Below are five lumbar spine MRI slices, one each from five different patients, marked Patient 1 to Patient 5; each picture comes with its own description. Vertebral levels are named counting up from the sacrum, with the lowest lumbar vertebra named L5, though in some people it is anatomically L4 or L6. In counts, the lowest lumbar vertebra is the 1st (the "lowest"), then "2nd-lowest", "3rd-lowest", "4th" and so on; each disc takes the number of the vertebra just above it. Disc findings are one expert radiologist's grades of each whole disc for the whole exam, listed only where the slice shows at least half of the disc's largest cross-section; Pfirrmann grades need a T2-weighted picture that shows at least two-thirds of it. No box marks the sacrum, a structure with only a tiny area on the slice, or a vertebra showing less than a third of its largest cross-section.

Patient 1 of 5:
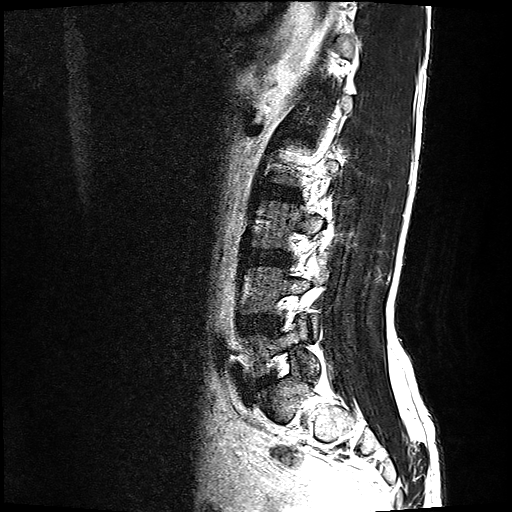 Sagittal T2-weighted lumbar spine MRI | 512x512 px

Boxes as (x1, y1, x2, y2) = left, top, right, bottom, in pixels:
L5 (lowest vertebra) at (246, 314, 319, 375), L3/L4 (3rd-lowest disc) at (256, 250, 288, 259), disc L5/S1 (lowest disc) at (254, 372, 274, 384), L2/L3 (4th disc) at (274, 188, 292, 195), L3 (3rd-lowest vertebra) at (251, 197, 342, 245), L4 (2nd-lowest vertebra) at (247, 260, 329, 337), L4/L5 (2nd-lowest disc) at (257, 316, 273, 325).

Patient 2 of 5:
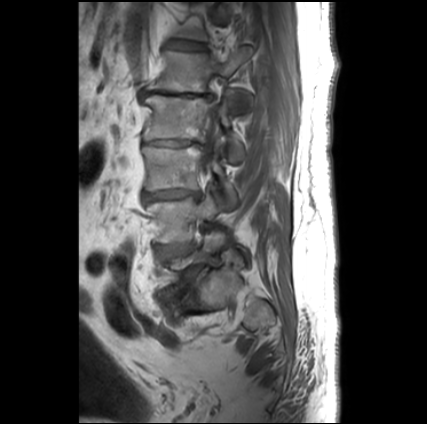 Image 427x424, MRI lumbar spine (T1-weighted), sagittal plane, Field of view 284x281 mm, slice spacing 3.3 mm

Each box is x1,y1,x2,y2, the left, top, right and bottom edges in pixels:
L3/L4 (3rd-lowest disc) — 143,190,199,202.
L2/L3 (4th disc) — 148,140,197,146.
L3 (3rd-lowest vertebra) — 142,145,236,206.
L2 (4th vertebra) — 141,93,243,159.
IVD L5/S1 (lowest disc) — 184,265,204,285.
T12/L1 (6th disc) — 168,41,203,48.
Thecal sac / spinal canal — 203,103,219,171.
L1/L2 (5th disc) — 143,91,213,100.
L1 (5th vertebra) — 145,48,251,107.
L4/L5 (2nd-lowest disc) — 156,244,195,259.
L4 (2nd-lowest vertebra) — 145,193,219,243.

Radiological gradings:
  L4/L5 (2nd-lowest disc): Modic type II
  L1/L2 (5th disc): disc herniation, lower-endplate change, disc narrowing, Modic type II, upper-endplate change, disc bulging
  L3/L4 (3rd-lowest disc): lower-endplate change, Modic type II, disc narrowing, upper-endplate change, disc bulging
  L2/L3 (4th disc): upper-endplate change, disc bulging, lower-endplate change, Modic type II, disc narrowing
  T12/L1 (6th disc): no Modic or endplate change, herniation, narrowing, bulging or spondylolisthesis recorded

Patient 3 of 5:
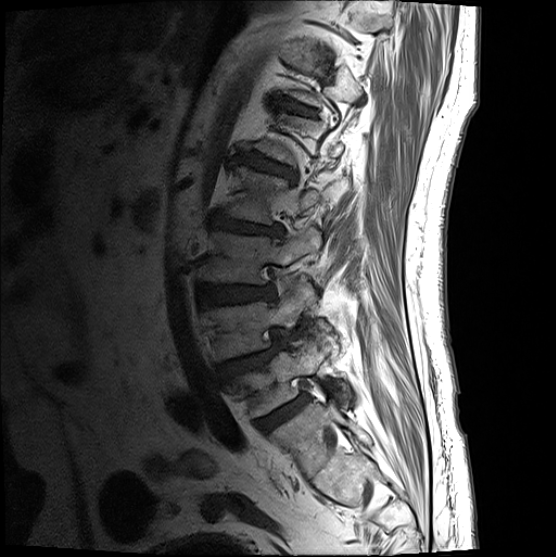 Field of view 300x301 mm, slice spacing 3.3 mm; Sagittal T1-weighted lumbar spine MRI
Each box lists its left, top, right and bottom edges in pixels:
disc L1/L2: left=240, top=154, right=295, bottom=180 | L3: left=200, top=229, right=321, bottom=286 | L4: left=202, top=287, right=308, bottom=363 | disc L4/L5: left=218, top=342, right=284, bottom=382 | L3/L4: left=199, top=286, right=274, bottom=307 | L2/L3: left=211, top=216, right=282, bottom=238 | L2 vertebra: left=227, top=168, right=320, bottom=226 | L5: left=233, top=341, right=347, bottom=418 | disc L5/S1: left=255, top=396, right=309, bottom=433 | disc T12/L1: left=284, top=104, right=314, bottom=117

Per-level radiological findings:
• L1/L2: upper-endplate change, lower-endplate change, disc bulging
• L4/L5: upper-endplate change, disc herniation, spondylolisthesis
• L3/L4: disc bulging
• L2/L3: upper-endplate change, lower-endplate change, disc narrowing, disc bulging
• L5/S1: no Modic or endplate change, herniation, narrowing, bulging or spondylolisthesis recorded

Patient 4 of 5:
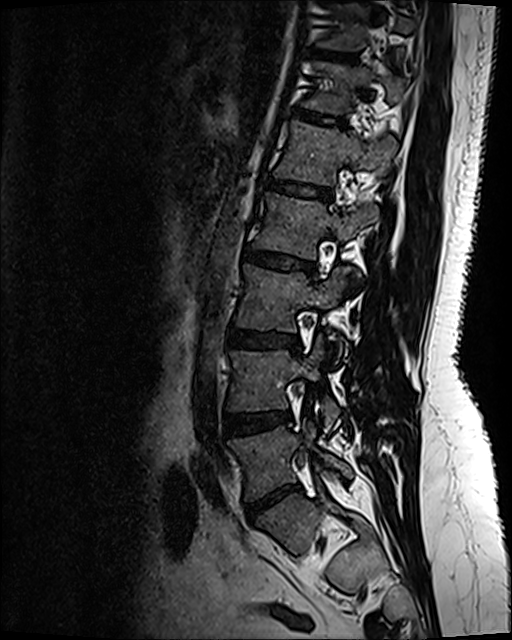

Sagittal slice index 77; 512x640 px; Lumbar spine MR, T2 SPACE (3D), sagittal

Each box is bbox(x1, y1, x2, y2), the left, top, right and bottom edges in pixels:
T11: bbox(319, 3, 413, 51) | L5: bbox(229, 425, 351, 499) | L2: bbox(255, 194, 378, 259) | L1/L2: bbox(264, 181, 332, 201) | T12/L1: bbox(298, 113, 345, 128) | L1: bbox(274, 123, 395, 185) | T12: bbox(304, 64, 404, 113) | disc L3/L4: bbox(228, 330, 296, 349) | T11/T12: bbox(313, 52, 355, 64) | L4 vertebra: bbox(228, 336, 338, 432) | disc L5/S1: bbox(247, 485, 299, 517) | disc L2/L3: bbox(244, 249, 312, 274) | L3: bbox(237, 266, 345, 355) | disc L4/L5: bbox(226, 413, 291, 434)

Per-level radiological findings:
  L1/L2: Pfirrmann grade 2, lower-endplate change, upper-endplate change
  L2/L3: Pfirrmann grade 4, lower-endplate change, disc bulging, upper-endplate change
  L5/S1: disc herniation, disc narrowing, disc bulging
  T12/L1: Pfirrmann grade 2, upper-endplate change, lower-endplate change
  L4/L5: disc bulging
  L3/L4: Pfirrmann grade 2, disc bulging
  T11/T12: no spondylolisthesis, narrowing, bulging, herniation, Modic or endplate change recorded

Patient 5 of 5:
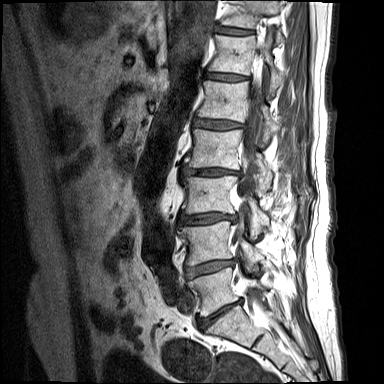

Lumbar spine MR, T1-weighted, sagittal; Sex M

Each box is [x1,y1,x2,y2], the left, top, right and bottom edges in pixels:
Lowest disc at [197,300,241,330], 5th vertebra at [197,80,279,138], spinal canal at [233,54,263,303], lowest vertebra at [188,267,266,316], 7th vertebra at [221,0,283,41], 4th disc at [181,166,241,175], 2nd-lowest disc at [185,259,235,278], 6th disc at [205,72,248,81], 3rd-lowest disc at [178,213,236,224], 2nd-lowest vertebra at [178,221,264,265], 5th disc at [193,118,244,128], 7th disc at [216,26,253,35], 4th vertebra at [183,128,273,192], 6th vertebra at [209,34,284,92], 3rd-lowest vertebra at [181,175,269,232].

Per-level radiological findings:
- 6th disc: disc narrowing, Modic type II
- 3rd-lowest disc: upper-endplate change, disc herniation, lower-endplate change, Modic type II, disc narrowing
- 2nd-lowest disc: Modic type II, lower-endplate change, disc narrowing, disc bulging
- 5th disc: disc bulging, lower-endplate change, disc narrowing, Modic type II
- 4th disc: Modic type II, disc narrowing, disc herniation, lower-endplate change
- lowest disc: disc narrowing, Modic type II, disc bulging
- 7th disc: upper-endplate change, Modic type II, disc narrowing, lower-endplate change